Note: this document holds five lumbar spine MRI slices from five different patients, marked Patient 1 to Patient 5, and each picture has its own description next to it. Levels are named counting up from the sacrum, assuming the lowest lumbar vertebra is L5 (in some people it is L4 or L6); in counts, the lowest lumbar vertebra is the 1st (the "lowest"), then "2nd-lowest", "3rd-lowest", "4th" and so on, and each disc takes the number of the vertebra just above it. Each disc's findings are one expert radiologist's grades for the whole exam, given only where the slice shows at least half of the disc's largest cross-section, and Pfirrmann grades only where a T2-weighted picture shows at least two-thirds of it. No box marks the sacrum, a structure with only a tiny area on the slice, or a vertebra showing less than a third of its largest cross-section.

Patient 1 of 5:
Sagittal slice index 90 | T2 SPACE (3D) sagittal MRI of the lumbar spine

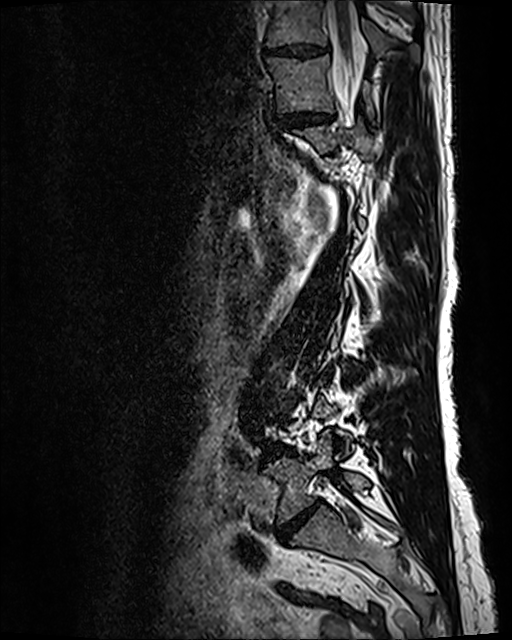 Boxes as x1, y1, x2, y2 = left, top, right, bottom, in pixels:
L5 (lowest vertebra): 263, 431, 369, 524
intervertebral disc L5/S1 (lowest disc): 276, 501, 320, 541
intervertebral disc T10/T11 (8th disc): 265, 43, 324, 56
intervertebral disc T11/T12 (7th disc): 279, 110, 334, 127
T11 (7th vertebra): 267, 54, 373, 117
L4/L5 (2nd-lowest disc): 267, 447, 293, 456
thecal sac / spinal canal: 327, 1, 362, 110
T10 (8th vertebra): 267, 0, 419, 62

Expert MSK radiologist gradings (per disc):
  L5/S1 (lowest disc): Modic type II, disc narrowing, upper-endplate change, disc bulging, lower-endplate change
  T11/T12 (7th disc): Pfirrmann grade 3, disc narrowing, disc bulging
  T10/T11 (8th disc): Pfirrmann grade 3, disc narrowing, disc bulging

Patient 2 of 5:
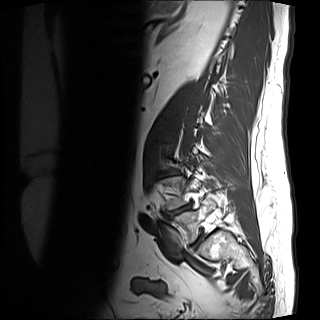

MRI lumbar spine (T1-weighted), sagittal plane, Image 320x320

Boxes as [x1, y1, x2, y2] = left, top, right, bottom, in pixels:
L3/L4 — [161, 171, 179, 177].
L4/L5 — [166, 205, 190, 218].
L4 — [160, 176, 198, 210].
L5 vertebra — [169, 201, 210, 243].

Patient 3 of 5:
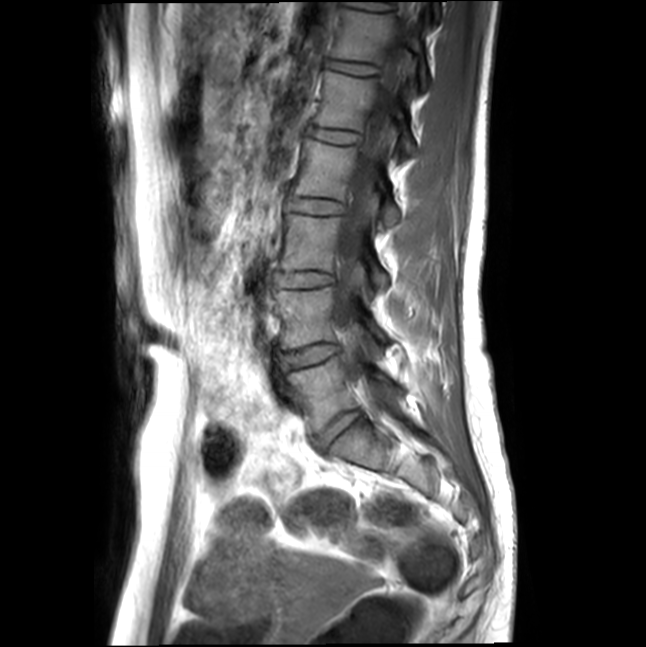 Sagittal T1-weighted lumbar spine MRI. 646x647 px.

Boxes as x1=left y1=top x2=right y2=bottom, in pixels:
T12/L1 = x1=327 y1=59 x2=379 y2=76.
L1 vertebra = x1=315 y1=70 x2=417 y2=155.
Spinal canal = x1=335 y1=19 x2=414 y2=406.
Disc L1/L2 = x1=308 y1=127 x2=360 y2=143.
Disc L5/S1 = x1=317 y1=412 x2=360 y2=447.
L4/L5 = x1=280 y1=343 x2=339 y2=369.
L4 vertebra = x1=273 y1=287 x2=386 y2=349.
Disc L2/L3 = x1=289 y1=199 x2=344 y2=214.
L2 = x1=296 y1=139 x2=401 y2=230.
T12 = x1=332 y1=8 x2=428 y2=87.
L5 vertebra = x1=287 y1=356 x2=403 y2=431.
Disc L3/L4 = x1=276 y1=272 x2=334 y2=287.
L3 = x1=282 y1=213 x2=388 y2=288.

Radiological gradings:
• T12/L1, L2/L3, L3/L4, L5/S1, L4/L5, L1/L2: no Modic or endplate change, herniation, narrowing, bulging or spondylolisthesis recorded

Patient 4 of 5:
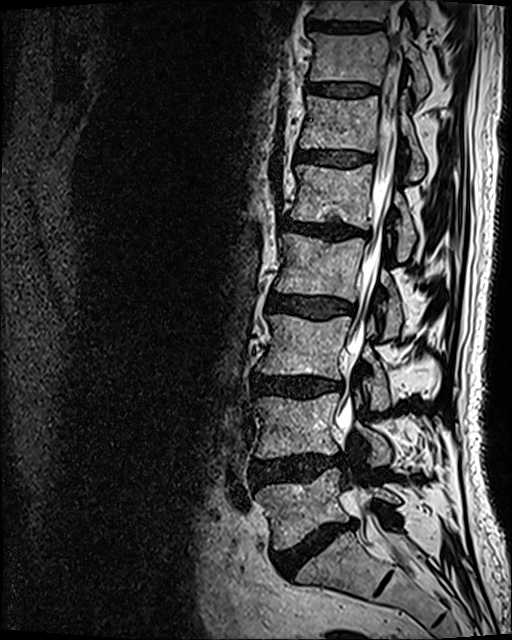

Field of view 240x300 mm | Sagittal T2 SPACE (3D) lumbar spine MRI | 512x640 px

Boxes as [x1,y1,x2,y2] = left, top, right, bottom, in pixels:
L3 — [257,314,390,410] | T10 — [311,0,426,29] | L4 vertebra — [256,391,391,467] | L2/L3 — [267,293,354,319] | L1/L2 — [283,219,367,238] | T12/L1 — [296,151,372,166] | L5 vertebra — [256,468,399,549] | L4/L5 — [252,454,337,486] | L1 — [291,164,415,261] | disc T11/T12 — [307,84,374,96] | T12 — [301,91,425,181] | disc L5/S1 — [271,521,355,577] | spinal canal — [335,45,410,565] | disc L3/L4 — [252,374,342,398] | disc T10/T11 — [307,19,380,31] | L2 — [276,233,403,337] | T11 vertebra — [309,20,429,99]

Per-level radiological findings:
• L1/L2: Pfirrmann grade 4, upper-endplate change, lower-endplate change, disc bulging, Modic type II, disc narrowing
• L5/S1: Pfirrmann grade 5, disc bulging, disc narrowing, lower-endplate change, Modic type II
• T11/T12: Pfirrmann grade 3
• T12/L1: Pfirrmann grade 3
• L4/L5: Pfirrmann grade 4, disc bulging, disc herniation
• L2/L3: Pfirrmann grade 3, disc bulging
• L3/L4: Pfirrmann grade 4, lower-endplate change, Modic type II, disc bulging, disc narrowing

Patient 5 of 5:
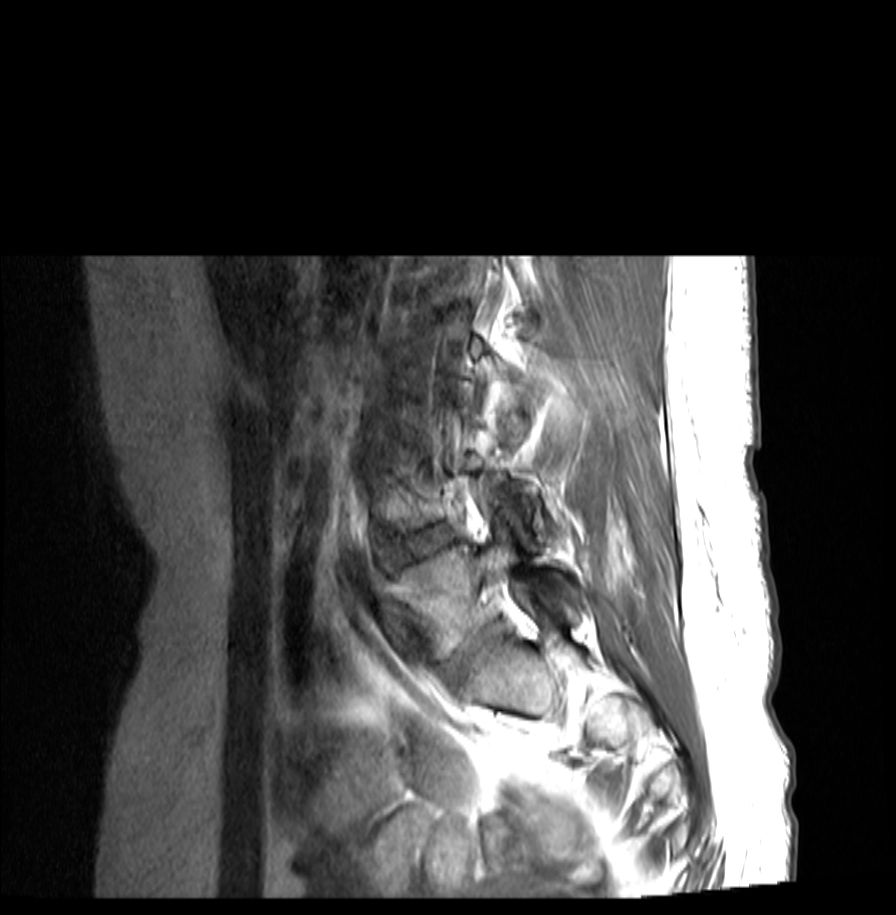
MRI lumbar spine (T1-weighted), sagittal plane, Slice 18/23
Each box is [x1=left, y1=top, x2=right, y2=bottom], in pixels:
• L5 vertebra at [x1=398, y1=520, x2=578, y2=658]
• L4/L5 at [x1=386, y1=526, x2=459, y2=564]
• intervertebral disc L5/S1 at [x1=440, y1=623, x2=504, y2=683]

Per-level radiological findings:
  L4/L5: disc herniation